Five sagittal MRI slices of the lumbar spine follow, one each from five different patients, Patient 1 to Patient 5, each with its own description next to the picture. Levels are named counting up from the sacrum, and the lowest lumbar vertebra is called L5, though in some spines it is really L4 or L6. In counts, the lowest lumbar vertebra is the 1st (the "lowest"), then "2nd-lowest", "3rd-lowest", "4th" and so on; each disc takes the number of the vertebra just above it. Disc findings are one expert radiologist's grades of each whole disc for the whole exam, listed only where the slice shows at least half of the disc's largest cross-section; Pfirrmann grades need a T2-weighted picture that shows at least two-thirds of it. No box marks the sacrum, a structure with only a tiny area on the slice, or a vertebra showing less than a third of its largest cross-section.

Patient 1 of 5:
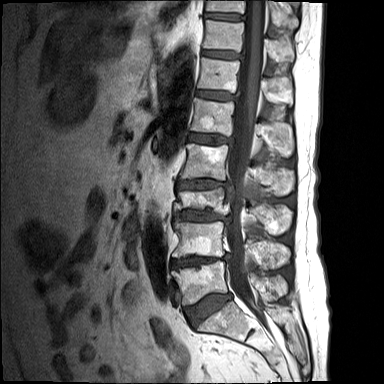

384x384 px | Lumbar spine MR, T1-weighted, sagittal

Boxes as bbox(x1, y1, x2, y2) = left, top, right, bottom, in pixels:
Segmented structures:
• L2 vertebra — bbox(179, 143, 294, 196)
• IVD L2/L3 — bbox(177, 178, 229, 189)
• IVD L3/L4 — bbox(173, 209, 231, 224)
• T11 — bbox(202, 20, 294, 62)
• IVD L1/L2 — bbox(187, 132, 232, 144)
• thecal sac / spinal canal — bbox(227, 0, 266, 306)
• L4 vertebra — bbox(172, 221, 290, 268)
• T12 vertebra — bbox(197, 57, 293, 105)
• L1 vertebra — bbox(191, 98, 294, 157)
• IVD T11/T12 — bbox(201, 49, 242, 58)
• L5/S1 — bbox(184, 293, 231, 327)
• L3 vertebra — bbox(174, 187, 292, 235)
• L4/L5 — bbox(171, 253, 231, 268)
• T12/L1 — bbox(196, 90, 236, 99)
• L5 — bbox(172, 261, 287, 304)
• T10 — bbox(206, 0, 298, 28)
• T10/T11 — bbox(204, 12, 244, 20)

Per-level radiological findings:
  L2/L3: upper-endplate change, lower-endplate change, disc narrowing, disc bulging
  L5/S1: lower-endplate change, upper-endplate change, disc bulging
  L1/L2: disc bulging, lower-endplate change, upper-endplate change
  L3/L4: disc narrowing, lower-endplate change, disc bulging, upper-endplate change
  L4/L5: disc narrowing, lower-endplate change, upper-endplate change, disc bulging
  T11/T12, T12/L1, T10/T11: no herniation, bulging, narrowing, spondylolisthesis, endplate or Modic change recorded

Patient 2 of 5:
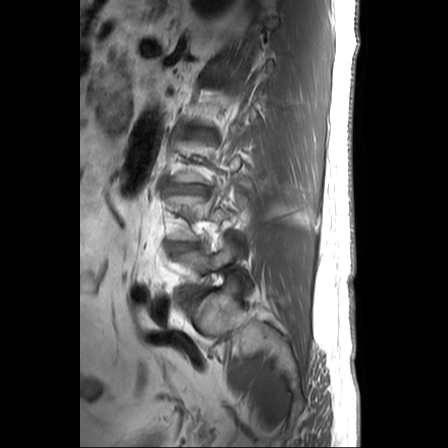

Slice 21/25 | 448x448 px | T1-weighted sagittal MRI of the lumbar spine
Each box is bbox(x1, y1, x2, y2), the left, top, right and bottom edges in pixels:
3rd-lowest disc: bbox(173, 185, 204, 192).
Lowest vertebra: bbox(175, 235, 240, 273).
2nd-lowest disc: bbox(169, 243, 197, 251).

Patient 3 of 5:
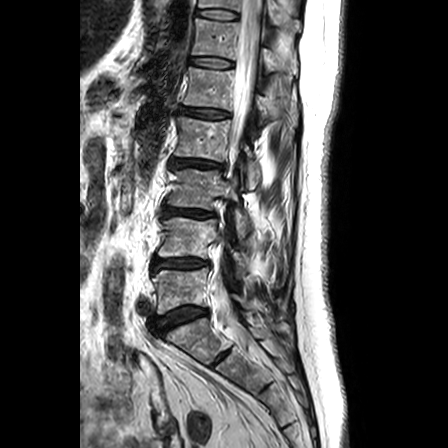

Sagittal T2-weighted lumbar spine MRI; Slice 16 of 24; Patient sex: F

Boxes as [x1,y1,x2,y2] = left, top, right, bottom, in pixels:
Thecal sac / spinal canal at [212,0,261,349], L5/S1 at [158,306,207,332], IVD T11/T12 at [196,9,237,19], T12/L1 at [191,57,232,67], L3/L4 at [164,207,214,217], L3 at [168,168,251,238], L2 vertebra at [174,116,260,189], L5 at [152,268,250,314], T11 vertebra at [199,0,301,31], L1/L2 at [181,107,229,118], L1 at [183,67,297,125], T12 at [192,18,297,74], IVD L2/L3 at [172,159,222,168], L4/L5 at [152,258,208,271], L4 vertebra at [158,217,247,274].

Per-level radiological findings:
• L2/L3: Pfirrmann grade 3, Modic type II, disc bulging, upper-endplate change, disc narrowing, lower-endplate change
• L1/L2: Pfirrmann grade 3, disc bulging, disc narrowing
• L5/S1: Pfirrmann grade 2, lower-endplate change, Modic type II, upper-endplate change
• L4/L5: Pfirrmann grade 3, upper-endplate change, disc bulging, Modic type II, lower-endplate change
• T11/T12: Pfirrmann grade 1
• L3/L4: lower-endplate change, upper-endplate change, disc bulging, disc narrowing, Modic type II
• T12/L1: Pfirrmann grade 1

Patient 4 of 5:
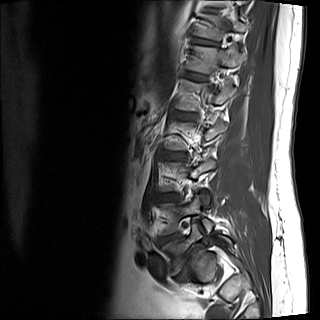 T1-weighted sagittal MRI of the lumbar spine, Patient sex: M, Slice 12 of 15
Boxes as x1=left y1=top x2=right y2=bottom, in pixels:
Annotations:
• L5/S1 (lowest disc) at x1=175 y1=243 x2=203 y2=282
• L5 (lowest vertebra) at x1=162 y1=221 x2=232 y2=276
• T11 (7th vertebra) at x1=195 y1=15 x2=245 y2=40
• L4 (2nd-lowest vertebra) at x1=160 y1=195 x2=213 y2=235
• IVD L1/L2 (5th disc) at x1=172 y1=111 x2=196 y2=119
• T12 (6th vertebra) at x1=186 y1=46 x2=241 y2=73
• T11/T12 (7th disc) at x1=193 y1=38 x2=217 y2=45
• L3/L4 (3rd-lowest disc) at x1=156 y1=193 x2=181 y2=201
• L2/L3 (4th disc) at x1=162 y1=152 x2=186 y2=160
• IVD T12/L1 (6th disc) at x1=184 y1=72 x2=206 y2=80
• L1 (5th vertebra) at x1=175 y1=78 x2=235 y2=110
• L4/L5 (2nd-lowest disc) at x1=157 y1=233 x2=179 y2=246

Expert MSK radiologist gradings (per disc):
• T11/T12 (7th disc): lower-endplate change, disc narrowing
• L5/S1 (lowest disc): Modic type II, disc bulging, lower-endplate change, upper-endplate change, spondylolisthesis, disc narrowing
• T12/L1 (6th disc): no herniation, bulging, narrowing, spondylolisthesis, endplate or Modic change recorded

Patient 5 of 5:
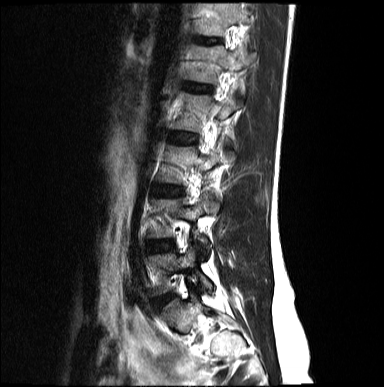

Slice 4/16 | Lumbar spine MR, T2-weighted, sagittal

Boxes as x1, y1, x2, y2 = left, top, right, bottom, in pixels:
5th disc — 185, 83, 209, 91 | 6th vertebra — 199, 4, 249, 35 | 2nd-lowest disc — 146, 241, 172, 252 | 5th vertebra — 187, 46, 246, 82 | 3rd-lowest disc — 153, 185, 181, 195 | 6th disc — 198, 38, 216, 44 | lowest vertebra — 148, 247, 212, 293 | 4th disc — 169, 132, 195, 144 | lowest disc — 157, 294, 172, 308 | 2nd-lowest vertebra — 149, 195, 219, 248 | 4th vertebra — 170, 93, 242, 132

Radiological gradings:
• 4th disc: no spondylolisthesis, narrowing, bulging, herniation, Modic or endplate change recorded